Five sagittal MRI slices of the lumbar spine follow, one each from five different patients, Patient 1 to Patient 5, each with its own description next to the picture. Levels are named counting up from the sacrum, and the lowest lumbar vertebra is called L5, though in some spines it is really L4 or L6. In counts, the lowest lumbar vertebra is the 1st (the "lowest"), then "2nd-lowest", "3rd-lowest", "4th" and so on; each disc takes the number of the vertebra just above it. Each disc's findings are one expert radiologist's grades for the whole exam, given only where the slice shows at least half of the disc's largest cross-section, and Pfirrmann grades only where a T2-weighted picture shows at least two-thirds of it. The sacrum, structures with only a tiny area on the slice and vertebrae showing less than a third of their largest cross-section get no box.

Patient 1 of 5:
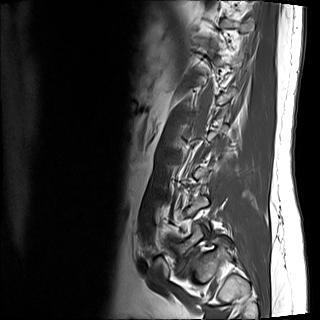 Lumbar spine MR, T1-weighted, sagittal. Image 320x320.

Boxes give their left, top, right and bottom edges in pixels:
• lowest vertebra: left=172, top=222, right=204, bottom=270
• lowest disc: left=183, top=247, right=199, bottom=274

Patient 2 of 5:
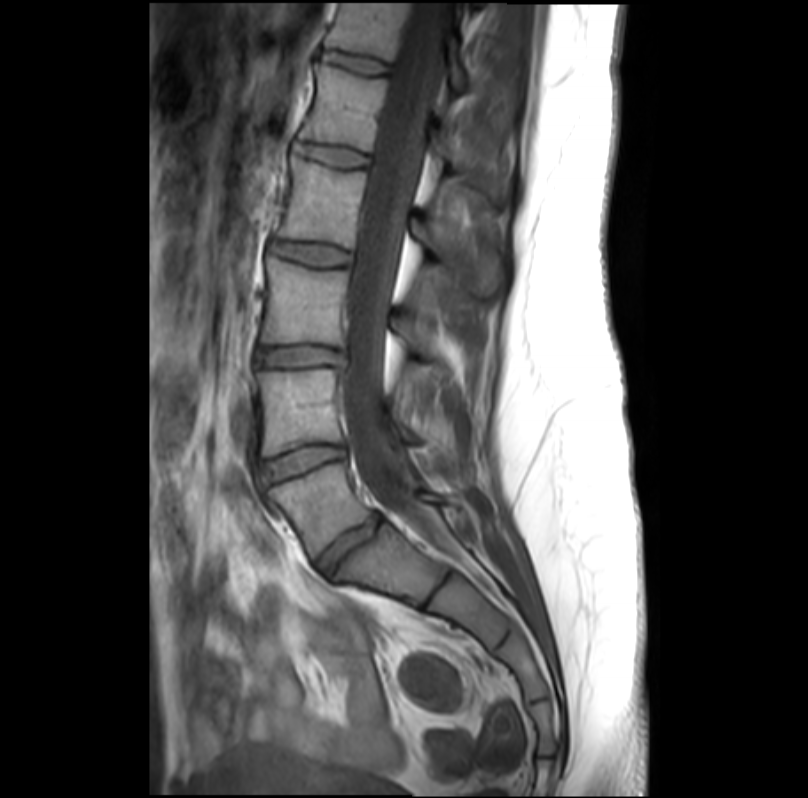 Sagittal slice index 17 | Field of view 286x282 mm | MRI lumbar spine (T1-weighted), sagittal plane
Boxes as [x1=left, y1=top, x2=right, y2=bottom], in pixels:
Annotations:
• intervertebral disc L4/L5: [x1=266, y1=443, x2=345, y2=481]
• thecal sac / spinal canal: [x1=344, y1=3, x2=445, y2=521]
• intervertebral disc L1/L2: [x1=299, y1=143, x2=367, y2=166]
• L1 vertebra: [x1=300, y1=63, x2=499, y2=190]
• intervertebral disc L3/L4: [x1=259, y1=346, x2=344, y2=366]
• L5: [x1=269, y1=463, x2=451, y2=557]
• L2: [x1=278, y1=156, x2=501, y2=294]
• L2/L3: [x1=271, y1=240, x2=350, y2=264]
• intervertebral disc T12/L1: [x1=321, y1=51, x2=388, y2=73]
• T12 vertebra: [x1=326, y1=3, x2=468, y2=88]
• L3 vertebra: [x1=263, y1=255, x2=434, y2=354]
• intervertebral disc L5/S1: [x1=319, y1=512, x2=383, y2=570]
• L4: [x1=259, y1=368, x2=422, y2=454]

Expert MSK radiologist gradings (per disc):
• L3/L4: disc bulging
• L5/S1: disc narrowing
• L2/L3, L4/L5, T12/L1, L1/L2: no herniation, bulging, narrowing, spondylolisthesis, endplate or Modic change recorded

Patient 3 of 5:
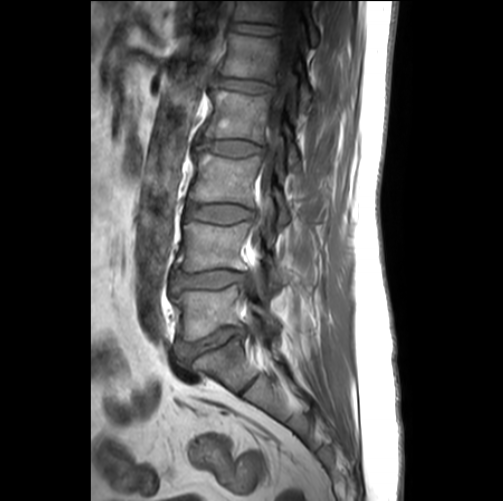
503x501 px. MRI lumbar spine (T1-weighted), sagittal plane.
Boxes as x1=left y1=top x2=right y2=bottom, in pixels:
L5 vertebra at x1=171 y1=285 x2=279 y2=342.
T12 vertebra at x1=235 y1=0 x2=318 y2=45.
L5/S1 at x1=176 y1=327 x2=246 y2=363.
L2 at x1=203 y1=89 x2=301 y2=171.
IVD L1/L2 at x1=217 y1=76 x2=274 y2=91.
T12/L1 at x1=232 y1=22 x2=280 y2=34.
IVD L4/L5 at x1=173 y1=271 x2=247 y2=292.
L1 at x1=220 y1=34 x2=312 y2=108.
L4 at x1=176 y1=222 x2=284 y2=287.
IVD L2/L3 at x1=197 y1=139 x2=263 y2=156.
L3 vertebra at x1=189 y1=152 x2=290 y2=225.
Spinal canal at x1=251 y1=1 x2=298 y2=249.
IVD L3/L4 at x1=187 y1=204 x2=252 y2=223.

Expert MSK radiologist gradings (per disc):
• L5/S1: disc bulging, disc narrowing
• L4/L5: Modic type II, disc narrowing, upper-endplate change, disc bulging, lower-endplate change
• T12/L1, L2/L3, L1/L2, L3/L4: no spondylolisthesis, narrowing, bulging, herniation, Modic or endplate change recorded

Patient 4 of 5:
Field of view 300x303 mm, Slice 19/24, T2-weighted sagittal MRI of the lumbar spine
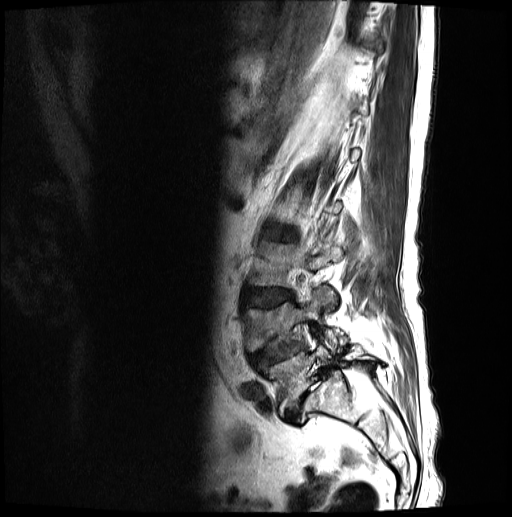

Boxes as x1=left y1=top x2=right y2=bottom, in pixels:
2nd-lowest disc at x1=249 y1=340 x2=303 y2=369, 2nd-lowest vertebra at x1=242 y1=290 x2=348 y2=352, 4th disc at x1=266 y1=227 x2=296 y2=241, lowest disc at x1=285 y1=372 x2=328 y2=425, 3rd-lowest vertebra at x1=248 y1=243 x2=342 y2=310, lowest vertebra at x1=257 y1=345 x2=376 y2=414, 3rd-lowest disc at x1=242 y1=288 x2=293 y2=307.

Expert MSK radiologist gradings (per disc):
• 3rd-lowest disc: Pfirrmann grade 3, lower-endplate change, disc bulging, upper-endplate change
• 2nd-lowest disc: Pfirrmann grade 3, spondylolisthesis, disc narrowing, disc herniation, lower-endplate change, upper-endplate change
• lowest disc: disc herniation, Modic type II, spondylolisthesis, disc narrowing

Patient 5 of 5:
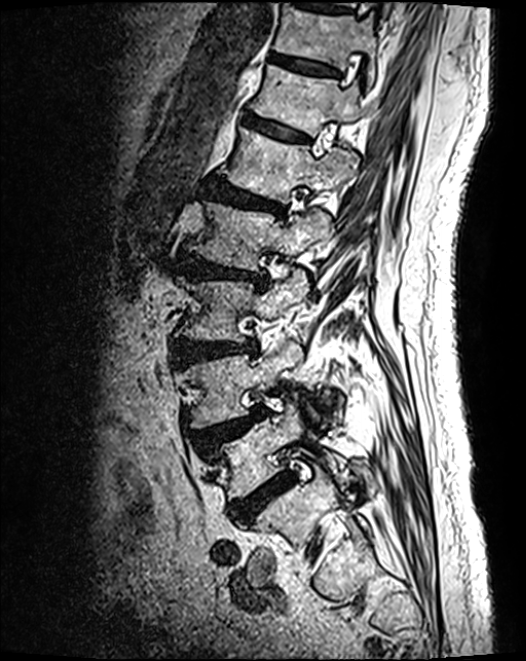 MRI lumbar spine (T2 SPACE (3D)), sagittal plane, 526x661 px, Sex M, Sagittal slice index 81

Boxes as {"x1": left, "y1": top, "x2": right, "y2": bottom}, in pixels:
L4/L5 at {"x1": 196, "y1": 409, "x2": 266, "y2": 450} | IVD L1/L2 at {"x1": 207, "y1": 180, "x2": 285, "y2": 218} | L4 at {"x1": 184, "y1": 334, "x2": 318, "y2": 428} | T11 vertebra at {"x1": 274, "y1": 4, "x2": 377, "y2": 83} | L2 vertebra at {"x1": 189, "y1": 201, "x2": 333, "y2": 272} | T11/T12 at {"x1": 269, "y1": 54, "x2": 338, "y2": 77} | IVD L3/L4 at {"x1": 175, "y1": 342, "x2": 256, "y2": 362} | L2/L3 at {"x1": 179, "y1": 254, "x2": 267, "y2": 286} | L1 vertebra at {"x1": 222, "y1": 129, "x2": 354, "y2": 202} | L3 vertebra at {"x1": 180, "y1": 269, "x2": 308, "y2": 342} | L5 vertebra at {"x1": 212, "y1": 401, "x2": 355, "y2": 499} | L5/S1 at {"x1": 231, "y1": 475, "x2": 292, "y2": 524} | IVD T12/L1 at {"x1": 245, "y1": 117, "x2": 308, "y2": 142} | T12 vertebra at {"x1": 253, "y1": 66, "x2": 361, "y2": 136}

Per-level radiological findings:
- L1/L2: Pfirrmann grade 4, disc bulging, upper-endplate change, lower-endplate change
- L4/L5: upper-endplate change, spondylolisthesis, disc herniation
- L5/S1: Pfirrmann grade 4
- T11/T12: Pfirrmann grade 3, lower-endplate change
- L3/L4: Pfirrmann grade 4, disc bulging
- T12/L1: Pfirrmann grade 3
- L2/L3: Pfirrmann grade 4, upper-endplate change, disc narrowing, lower-endplate change, disc bulging